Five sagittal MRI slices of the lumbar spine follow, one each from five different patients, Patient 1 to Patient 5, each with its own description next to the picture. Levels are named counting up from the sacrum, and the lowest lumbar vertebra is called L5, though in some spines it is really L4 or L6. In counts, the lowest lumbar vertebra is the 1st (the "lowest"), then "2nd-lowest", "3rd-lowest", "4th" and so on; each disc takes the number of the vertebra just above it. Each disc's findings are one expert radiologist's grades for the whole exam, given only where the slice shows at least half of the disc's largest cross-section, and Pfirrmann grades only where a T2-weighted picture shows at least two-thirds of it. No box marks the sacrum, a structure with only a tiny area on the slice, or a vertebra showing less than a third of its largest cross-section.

Patient 1 of 5:
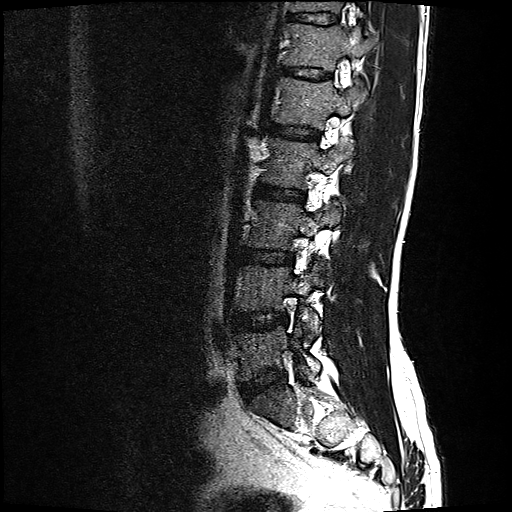 Slice 5/17. Lumbar spine MR, T2-weighted, sagittal. Slice spacing 3.3 mm.
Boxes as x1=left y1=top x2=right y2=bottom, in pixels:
L5 at x1=237 y1=319 x2=321 y2=378.
L3 vertebra at x1=248 y1=199 x2=340 y2=249.
L2 vertebra at x1=262 y1=136 x2=353 y2=186.
Intervertebral disc T12/L1 at x1=282 y1=65 x2=329 y2=78.
T12 vertebra at x1=284 y1=21 x2=372 y2=69.
L1/L2 at x1=271 y1=123 x2=317 y2=138.
L2/L3 at x1=257 y1=184 x2=304 y2=199.
T11/T12 at x1=289 y1=12 x2=337 y2=23.
L1 vertebra at x1=274 y1=76 x2=366 y2=127.
Intervertebral disc L5/S1 at x1=241 y1=368 x2=285 y2=397.
L4 at x1=239 y1=262 x2=329 y2=338.
L4/L5 at x1=234 y1=311 x2=287 y2=328.
Intervertebral disc L3/L4 at x1=244 y1=248 x2=293 y2=263.
T11 vertebra at x1=290 y1=0 x2=343 y2=11.

Radiological gradings:
- L3/L4: disc bulging
- L1/L2: Pfirrmann grade 2
- L4/L5: disc bulging
- L5/S1: disc bulging
- T12/L1: Pfirrmann grade 2
- T11/T12: Pfirrmann grade 2
- L2/L3: no herniation, bulging, narrowing, spondylolisthesis, endplate or Modic change recorded

Patient 2 of 5:
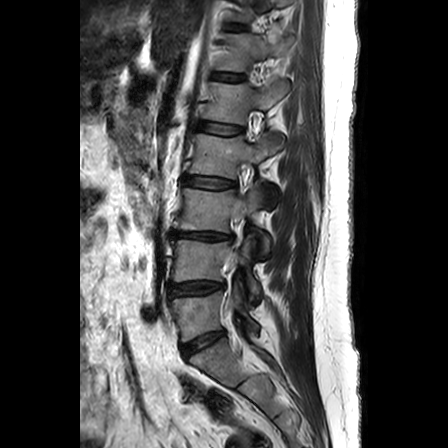
Lumbar spine MR, T2-weighted, sagittal | Slice 9/24
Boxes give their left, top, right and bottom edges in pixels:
IVD L1/L2: left=198, top=123, right=242, bottom=134
IVD L4/L5: left=170, top=282, right=223, bottom=296
T12/L1: left=213, top=73, right=242, bottom=81
L2 vertebra: left=190, top=134, right=282, bottom=178
L1 vertebra: left=204, top=79, right=289, bottom=123
IVD L2/L3: left=185, top=175, right=234, bottom=188
IVD T11/T12: left=230, top=24, right=243, bottom=29
L4: left=172, top=238, right=260, bottom=298
IVD L3/L4: left=173, top=231, right=231, bottom=239
T12 vertebra: left=217, top=33, right=293, bottom=71
L5: left=172, top=280, right=258, bottom=342
L5/S1: left=182, top=332, right=224, bottom=356
L3 vertebra: left=174, top=183, right=269, bottom=257

Degenerative findings by level:
- L4/L5: Pfirrmann grade 3, disc bulging
- L1/L2: Pfirrmann grade 2
- L3/L4: Pfirrmann grade 3, Modic type II, lower-endplate change, disc narrowing, upper-endplate change, disc herniation
- L2/L3: Pfirrmann grade 1
- L5/S1: no spondylolisthesis, narrowing, bulging, herniation, Modic or endplate change recorded

Patient 3 of 5:
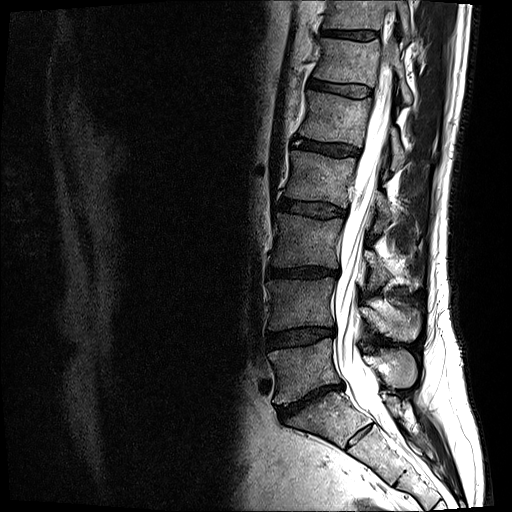 Sagittal T2-weighted lumbar spine MRI. 512x512 px.
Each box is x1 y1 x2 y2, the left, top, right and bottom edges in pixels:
L2: 285 149 392 232
L4: 268 277 419 341
L5 vertebra: 268 338 417 405
L4/L5: 267 328 334 348
T11/T12: 321 30 377 39
thecal sac / spinal canal: 334 37 393 433
disc L3/L4: 268 267 338 277
L3: 271 213 386 289
T12: 315 38 412 103
L1: 300 91 406 170
L2/L3: 277 199 346 218
disc L1/L2: 293 138 359 156
T12/L1: 309 79 371 97
L5/S1: 277 383 343 419
T11 vertebra: 324 0 411 42

Per-level radiological findings:
• T11/T12: Pfirrmann grade 4
• L5/S1: Pfirrmann grade 5, Modic type II, disc narrowing, disc bulging
• T12/L1: Pfirrmann grade 3
• L2/L3: Pfirrmann grade 3, disc bulging
• L3/L4: Pfirrmann grade 4, disc narrowing, lower-endplate change, disc bulging
• L1/L2: Pfirrmann grade 4
• L4/L5: Pfirrmann grade 3, disc bulging, disc narrowing

Patient 4 of 5:
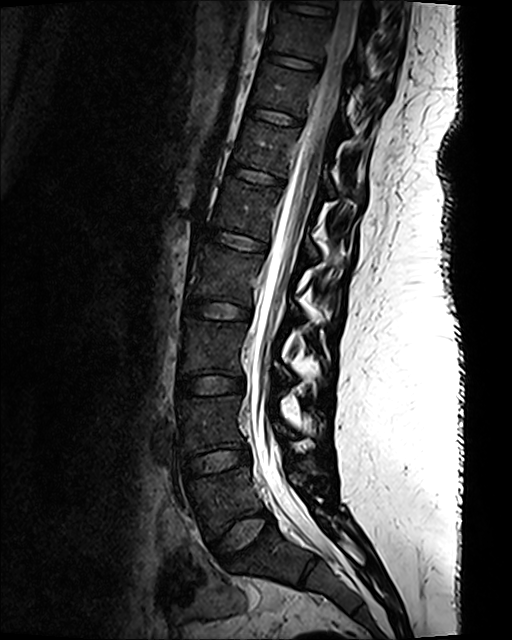 T2 SPACE (3D) sagittal MRI of the lumbar spine, Field of view 240x300 mm, slice spacing 0.9 mm, Image 512x640
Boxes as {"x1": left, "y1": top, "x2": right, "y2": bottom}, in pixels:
intervertebral disc L4/L5 = {"x1": 182, "y1": 445, "x2": 250, "y2": 478} | intervertebral disc L5/S1 = {"x1": 212, "y1": 510, "x2": 274, "y2": 563} | T11 vertebra = {"x1": 253, "y1": 65, "x2": 346, "y2": 129} | L1/L2 = {"x1": 206, "y1": 229, "x2": 266, "y2": 250} | L5 vertebra = {"x1": 187, "y1": 465, "x2": 329, "y2": 535} | T11/T12 = {"x1": 248, "y1": 106, "x2": 301, "y2": 126} | spinal canal = {"x1": 247, "y1": 0, "x2": 359, "y2": 556} | L2 vertebra = {"x1": 192, "y1": 246, "x2": 338, "y2": 326} | intervertebral disc L2/L3 = {"x1": 186, "y1": 298, "x2": 251, "y2": 319} | L3 = {"x1": 180, "y1": 317, "x2": 329, "y2": 388} | L3/L4 = {"x1": 177, "y1": 375, "x2": 244, "y2": 396} | L4 vertebra = {"x1": 177, "y1": 396, "x2": 324, "y2": 453} | T12 = {"x1": 234, "y1": 120, "x2": 362, "y2": 200} | intervertebral disc T12/L1 = {"x1": 228, "y1": 165, "x2": 283, "y2": 185} | L1 = {"x1": 213, "y1": 179, "x2": 319, "y2": 261} | T10 vertebra = {"x1": 269, "y1": 11, "x2": 384, "y2": 74} | intervertebral disc T10/T11 = {"x1": 264, "y1": 51, "x2": 318, "y2": 69}

Radiological gradings:
- L3/L4: Pfirrmann grade 1
- L4/L5: Pfirrmann grade 1
- L1/L2: Pfirrmann grade 1
- T10/T11: Pfirrmann grade 1
- T12/L1: Pfirrmann grade 1
- T11/T12: Pfirrmann grade 1
- L5/S1: Pfirrmann grade 1
- L2/L3: Pfirrmann grade 1

Patient 5 of 5:
Scanner: SIEMENS Avanto_fit (1.5T); T2 SPACE (3D) sagittal MRI of the lumbar spine; Sex F

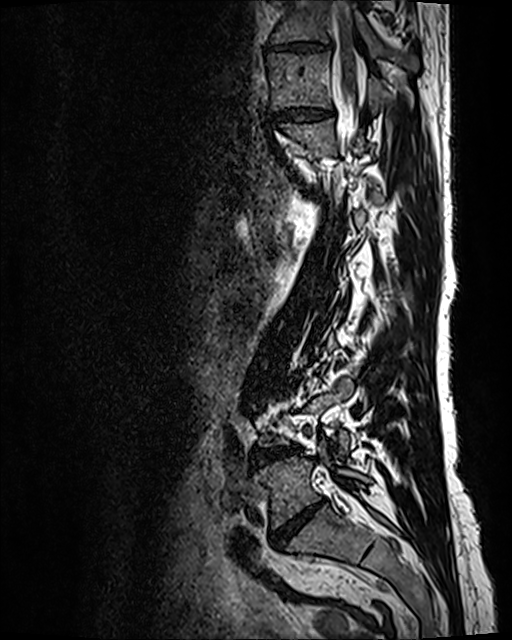
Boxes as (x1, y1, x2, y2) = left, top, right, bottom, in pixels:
Structures:
• 7th disc = (269, 105, 333, 121)
• 7th vertebra = (268, 51, 387, 114)
• lowest vertebra = (254, 439, 369, 528)
• spinal canal = (331, 2, 365, 147)
• 2nd-lowest disc = (252, 447, 296, 464)
• 8th vertebra = (271, 1, 417, 70)
• lowest disc = (271, 498, 325, 547)
• 8th disc = (271, 42, 327, 51)

Expert MSK radiologist gradings (per disc):
• lowest disc: Pfirrmann grade 5, lower-endplate change, disc narrowing, disc bulging, upper-endplate change, Modic type II
• 8th disc: disc bulging, disc narrowing
• 7th disc: Pfirrmann grade 3, disc bulging, disc narrowing